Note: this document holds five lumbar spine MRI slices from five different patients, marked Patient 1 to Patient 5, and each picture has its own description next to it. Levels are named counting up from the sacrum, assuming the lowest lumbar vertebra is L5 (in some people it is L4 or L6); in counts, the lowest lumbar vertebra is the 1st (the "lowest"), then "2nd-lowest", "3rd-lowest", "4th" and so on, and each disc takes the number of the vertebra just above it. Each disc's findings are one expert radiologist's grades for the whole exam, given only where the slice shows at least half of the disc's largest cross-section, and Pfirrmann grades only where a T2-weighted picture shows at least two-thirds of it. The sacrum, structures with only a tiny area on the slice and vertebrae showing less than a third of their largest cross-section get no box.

Patient 1 of 5:
T2-weighted sagittal MRI of the lumbar spine.

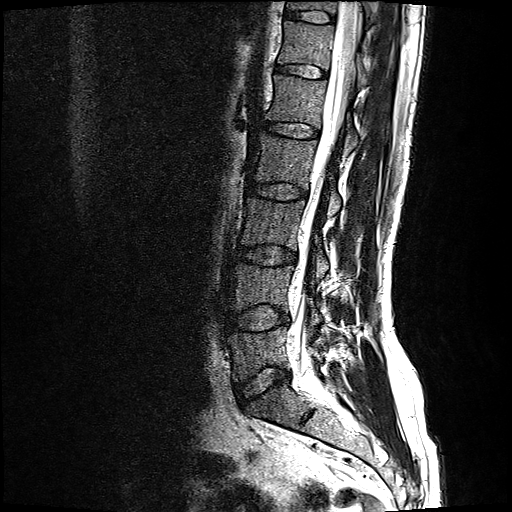 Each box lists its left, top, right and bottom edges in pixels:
• L4 vertebra — left=231, top=262, right=322, bottom=323
• L1/L2 — left=263, top=121, right=318, bottom=136
• T12/L1 — left=275, top=64, right=326, bottom=77
• L2 — left=252, top=132, right=340, bottom=213
• IVD T11/T12 — left=284, top=10, right=335, bottom=22
• L5 vertebra — left=228, top=325, right=323, bottom=380
• T12 vertebra — left=277, top=19, right=369, bottom=84
• L3 — left=241, top=194, right=328, bottom=276
• L1 vertebra — left=266, top=73, right=357, bottom=151
• L3/L4 — left=237, top=245, right=296, bottom=264
• IVD L4/L5 — left=228, top=305, right=289, bottom=329
• thecal sac / spinal canal — left=291, top=0, right=358, bottom=370
• L5/S1 — left=234, top=364, right=290, bottom=402
• T11 — left=286, top=0, right=372, bottom=22
• L2/L3 — left=248, top=181, right=306, bottom=198

Per-level radiological findings:
  L5/S1: Pfirrmann grade 2, disc bulging
  L4/L5: Pfirrmann grade 2, disc bulging
  L1/L2: Pfirrmann grade 2
  L3/L4: Pfirrmann grade 2, disc bulging
  L2/L3: Pfirrmann grade 2
  T12/L1: Pfirrmann grade 2
  T11/T12: Pfirrmann grade 2

Patient 2 of 5:
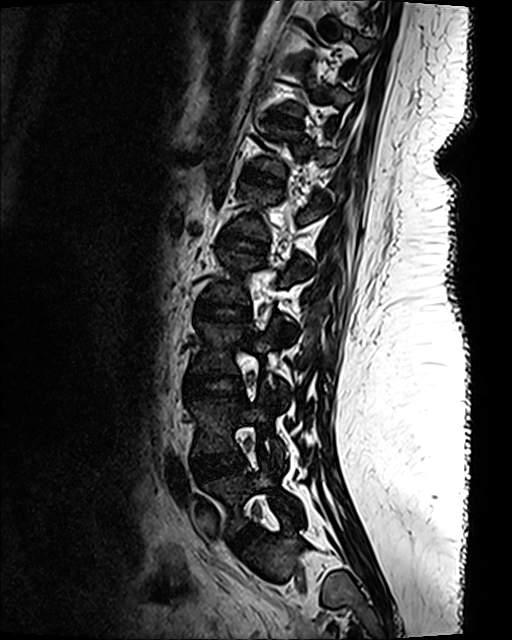

Sagittal T2 SPACE (3D) lumbar spine MRI
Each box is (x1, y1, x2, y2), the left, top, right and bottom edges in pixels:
L1/L2: (218, 233, 264, 251).
L5: (201, 462, 300, 530).
Intervertebral disc L3/L4: (186, 374, 242, 396).
L2 vertebra: (205, 249, 304, 334).
Intervertebral disc T12/L1: (243, 169, 280, 184).
L1: (231, 183, 323, 271).
T12: (251, 126, 335, 174).
L4 vertebra: (188, 394, 286, 465).
L3: (192, 322, 289, 403).
T11: (278, 73, 350, 115).
Intervertebral disc L4/L5: (192, 451, 244, 478).
T10/T11: (291, 59, 309, 66).
T11/T12: (268, 113, 297, 124).
L5/S1: (229, 524, 257, 550).
Intervertebral disc L2/L3: (196, 300, 250, 319).

Per-level radiological findings:
• L2/L3: Pfirrmann grade 1
• L4/L5: Pfirrmann grade 1
• L3/L4: Pfirrmann grade 1
• T12/L1, L1/L2: no Modic or endplate change, herniation, narrowing, bulging or spondylolisthesis recorded

Patient 3 of 5:
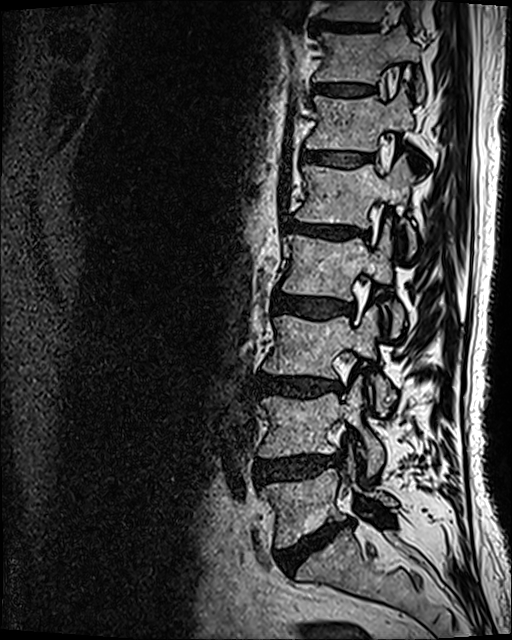

Sagittal T2 SPACE (3D) lumbar spine MRI.
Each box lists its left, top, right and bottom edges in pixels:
Structures:
* disc L3/L4: left=256, top=374, right=339, bottom=398
* T10 vertebra: left=323, top=0, right=418, bottom=28
* L3: left=262, top=306, right=393, bottom=414
* L4/L5: left=255, top=454, right=338, bottom=484
* L5: left=260, top=469, right=396, bottom=547
* disc T10/T11: left=312, top=19, right=377, bottom=30
* T11: left=314, top=26, right=424, bottom=102
* L5/S1: left=276, top=521, right=350, bottom=575
* L4: left=259, top=382, right=383, bottom=473
* disc L1/L2: left=287, top=220, right=358, bottom=238
* L2: left=282, top=229, right=404, bottom=337
* L1 vertebra: left=295, top=157, right=415, bottom=255
* disc T12/L1: left=302, top=152, right=371, bottom=166
* disc L2/L3: left=272, top=292, right=349, bottom=319
* disc T11/T12: left=313, top=84, right=373, bottom=95
* T12: left=305, top=88, right=413, bottom=152

Degenerative findings by level:
- L4/L5: Pfirrmann grade 4, disc bulging, disc herniation
- T12/L1: Pfirrmann grade 3
- L5/S1: Pfirrmann grade 5, lower-endplate change, disc narrowing, disc bulging, Modic type II
- L3/L4: Pfirrmann grade 4, Modic type II, disc narrowing, disc bulging, lower-endplate change
- L1/L2: disc narrowing, Modic type II, lower-endplate change, disc bulging, upper-endplate change
- T11/T12: Pfirrmann grade 3
- L2/L3: Pfirrmann grade 3, disc bulging

Patient 4 of 5:
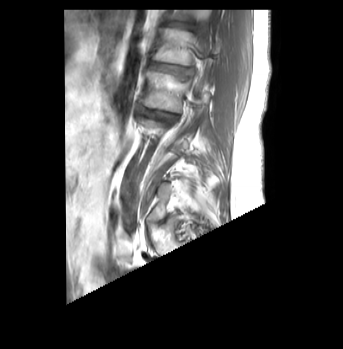 Image 343x349. Lumbar spine MR, T1-weighted, sagittal.
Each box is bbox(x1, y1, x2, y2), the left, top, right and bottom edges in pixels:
{"L1 (5th vertebra)": "bbox(152, 28, 192, 65)", "IVD L2/L3 (4th disc)": "bbox(138, 106, 177, 122)", "IVD L1/L2 (5th disc)": "bbox(148, 62, 192, 77)", "T12/L1 (6th disc)": "bbox(166, 22, 190, 29)", "L2 (4th vertebra)": "bbox(140, 70, 189, 112)"}

Degenerative findings by level:
• L1/L2 (5th disc): upper-endplate change
• L2/L3 (4th disc): disc bulging, Modic type II, lower-endplate change, disc narrowing

Patient 5 of 5:
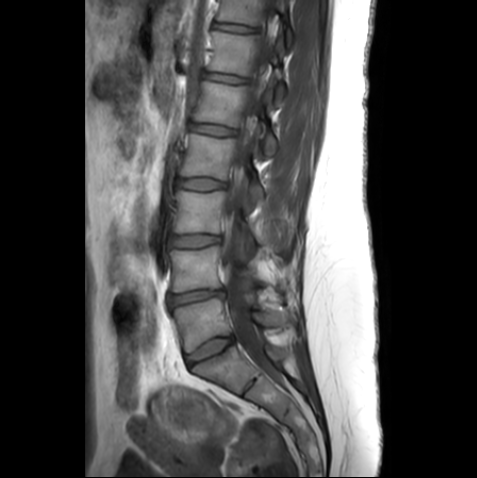 Slice spacing 3.3 mm; Sex F; MRI lumbar spine (T1-weighted), sagittal plane; 477x478 px
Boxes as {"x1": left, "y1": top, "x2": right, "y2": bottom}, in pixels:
Annotations:
- 4th disc: {"x1": 177, "y1": 178, "x2": 224, "y2": 189}
- 3rd-lowest vertebra: {"x1": 173, "y1": 191, "x2": 255, "y2": 253}
- lowest vertebra: {"x1": 171, "y1": 298, "x2": 275, "y2": 352}
- 5th vertebra: {"x1": 195, "y1": 81, "x2": 277, "y2": 156}
- 2nd-lowest disc: {"x1": 168, "y1": 289, "x2": 225, "y2": 305}
- 4th vertebra: {"x1": 181, "y1": 134, "x2": 264, "y2": 201}
- 7th disc: {"x1": 213, "y1": 22, "x2": 253, "y2": 32}
- thecal sac / spinal canal: {"x1": 219, "y1": 0, "x2": 276, "y2": 376}
- 5th disc: {"x1": 189, "y1": 123, "x2": 234, "y2": 135}
- lowest disc: {"x1": 186, "y1": 336, "x2": 233, "y2": 366}
- 6th disc: {"x1": 203, "y1": 72, "x2": 245, "y2": 82}
- 7th vertebra: {"x1": 217, "y1": 0, "x2": 292, "y2": 48}
- 6th vertebra: {"x1": 207, "y1": 31, "x2": 283, "y2": 100}
- 2nd-lowest vertebra: {"x1": 169, "y1": 246, "x2": 259, "y2": 292}
- 3rd-lowest disc: {"x1": 168, "y1": 235, "x2": 218, "y2": 247}

Per-level radiological findings:
  2nd-lowest disc: disc narrowing, disc bulging
  6th disc, 4th disc, 5th disc, 7th disc, lowest disc, 3rd-lowest disc: no Modic or endplate change, herniation, narrowing, bulging or spondylolisthesis recorded